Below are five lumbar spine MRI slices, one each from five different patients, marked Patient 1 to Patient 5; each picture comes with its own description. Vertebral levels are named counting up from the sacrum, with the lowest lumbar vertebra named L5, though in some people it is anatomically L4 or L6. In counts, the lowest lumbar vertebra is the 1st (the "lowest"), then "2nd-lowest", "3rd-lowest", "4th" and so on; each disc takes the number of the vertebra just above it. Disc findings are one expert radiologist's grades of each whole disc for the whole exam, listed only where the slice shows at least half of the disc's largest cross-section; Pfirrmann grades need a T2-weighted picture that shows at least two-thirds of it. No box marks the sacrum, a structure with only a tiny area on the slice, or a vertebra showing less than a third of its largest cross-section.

Patient 1 of 5:
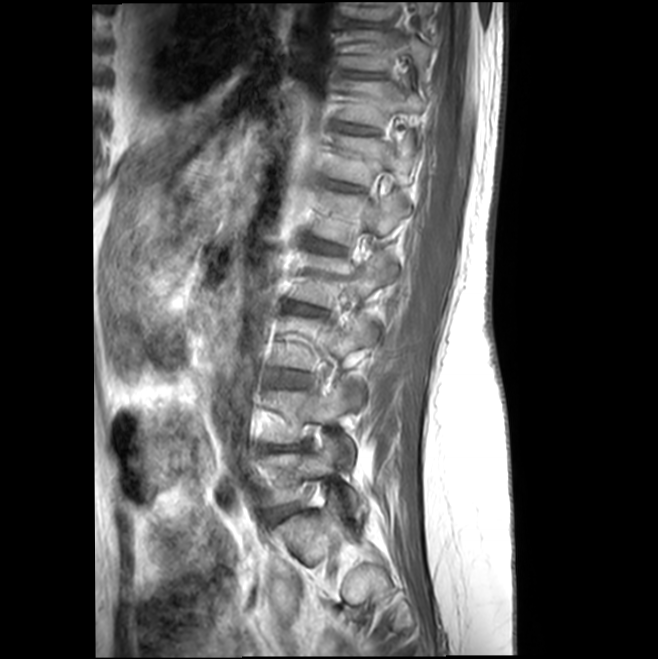

Image 658x659, Patient sex: F, Slice 5 of 18, MRI lumbar spine (T1-weighted), sagittal plane
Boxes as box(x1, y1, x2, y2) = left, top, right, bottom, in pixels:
* T11/T12 = box(346, 127, 368, 134)
* disc L2/L3 = box(292, 305, 321, 314)
* L1/L2 = box(314, 242, 339, 253)
* L5 vertebra = box(261, 435, 358, 511)
* T10 = box(347, 31, 431, 82)
* disc L3/L4 = box(274, 370, 305, 386)
* L4 = box(264, 382, 362, 458)
* T12 vertebra = box(330, 136, 414, 185)
* T11 vertebra = box(339, 81, 423, 126)
* L2 = box(293, 254, 397, 305)
* disc L5/S1 = box(271, 509, 291, 520)
* L1 vertebra = box(315, 192, 409, 245)
* disc L4/L5 = box(263, 444, 295, 450)

Patient 2 of 5:
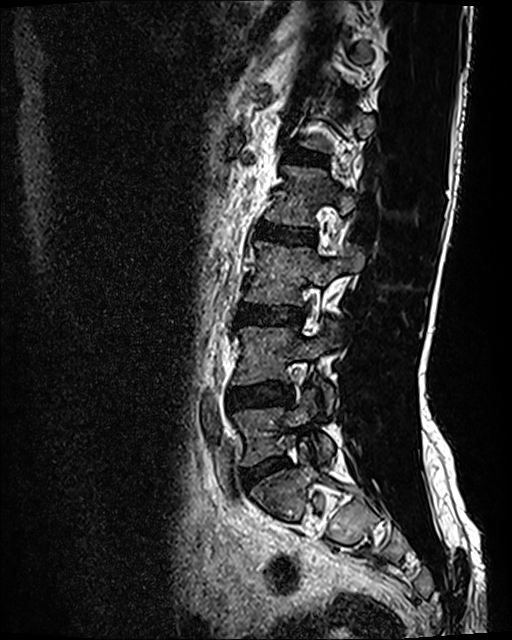 T2 SPACE (3D) sagittal MRI of the lumbar spine, Slice spacing 0.9 mm, Slice 36/120, 512x640 px
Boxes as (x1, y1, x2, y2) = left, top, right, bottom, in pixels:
4th disc at (258, 223, 314, 244), 5th disc at (288, 148, 328, 166), 4th vertebra at (265, 165, 357, 227), 2nd-lowest disc at (228, 382, 291, 410), lowest vertebra at (233, 389, 333, 467), 3rd-lowest vertebra at (242, 241, 364, 304), 2nd-lowest vertebra at (231, 323, 342, 414), lowest disc at (242, 456, 287, 486), 3rd-lowest disc at (238, 305, 302, 325).

Degenerative findings by level:
- 3rd-lowest disc: Pfirrmann grade 2, disc bulging
- 2nd-lowest disc: disc bulging
- 4th disc: no herniation, bulging, narrowing, spondylolisthesis, endplate or Modic change recorded

Patient 3 of 5:
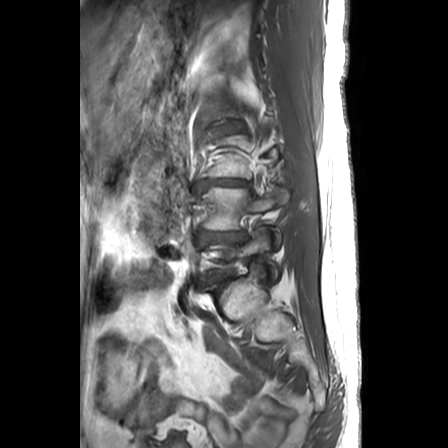 T1-weighted sagittal MRI of the lumbar spine; Sagittal slice index 3; Sex F
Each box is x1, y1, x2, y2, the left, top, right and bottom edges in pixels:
L4: 203, 187, 289, 246
L3/L4: 196, 179, 249, 191
intervertebral disc L4/L5: 200, 231, 246, 242
L5 vertebra: 210, 228, 277, 280
intervertebral disc L2/L3: 211, 123, 244, 137

Degenerative findings by level:
• L2/L3: lower-endplate change, disc narrowing, disc bulging, upper-endplate change
• L4/L5: lower-endplate change, disc bulging, upper-endplate change, Modic type II, disc narrowing
• L3/L4: lower-endplate change, disc bulging, upper-endplate change, Modic type II, disc narrowing

Patient 4 of 5:
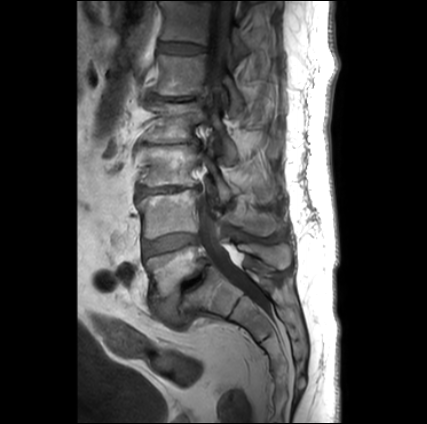 T1-weighted sagittal MRI of the lumbar spine. Slice 17 of 30.

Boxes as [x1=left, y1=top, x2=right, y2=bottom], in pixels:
{"L3": "[x1=140, y1=144, x2=274, y2=201]", "L5/S1": "[x1=155, y1=259, x2=209, y2=323]", "L4": "[x1=136, y1=190, x2=284, y2=239]", "intervertebral disc L4/L5": "[x1=143, y1=234, x2=198, y2=257]", "L1/L2": "[x1=150, y1=94, x2=205, y2=101]", "L1 vertebra": "[x1=152, y1=53, x2=244, y2=115]", "T12": "[x1=160, y1=1, x2=251, y2=58]", "spinal canal": "[x1=198, y1=0, x2=266, y2=306]", "L5": "[x1=145, y1=243, x2=290, y2=298]", "L2 vertebra": "[x1=144, y1=101, x2=276, y2=163]", "T12/L1": "[x1=158, y1=42, x2=206, y2=52]", "intervertebral disc L3/L4": "[x1=137, y1=185, x2=202, y2=195]"}

Expert MSK radiologist gradings (per disc):
- L5/S1: Modic type II, upper-endplate change, spondylolisthesis, disc narrowing, lower-endplate change, disc bulging
- L3/L4: lower-endplate change, upper-endplate change, Modic type II, disc bulging, disc narrowing
- L4/L5: Modic type II
- L1/L2: disc bulging, lower-endplate change, disc herniation, Modic type II, upper-endplate change, disc narrowing
- T12/L1: no Modic or endplate change, herniation, narrowing, bulging or spondylolisthesis recorded

Patient 5 of 5:
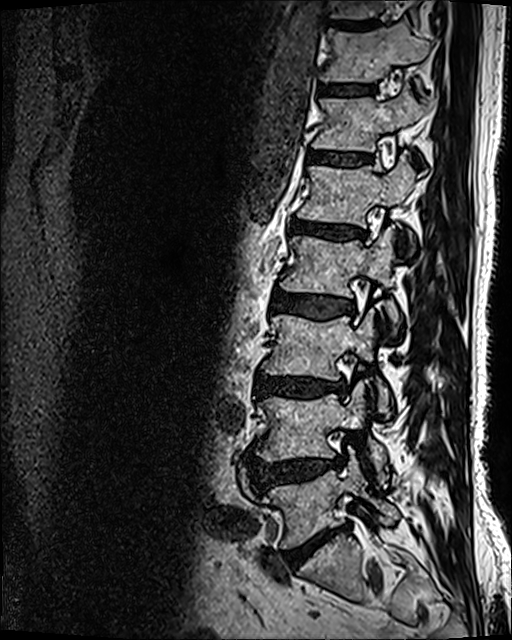
Patient sex: M | MRI lumbar spine (T2 SPACE (3D)), sagittal plane | Slice 45 of 120 | 512x640 px

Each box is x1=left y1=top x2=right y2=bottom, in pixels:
5th disc: x1=291 y1=220 x2=364 y2=238 | 7th vertebra: x1=321 y1=21 x2=430 y2=82 | 6th vertebra: x1=313 y1=86 x2=430 y2=152 | 4th disc: x1=271 y1=290 x2=354 y2=318 | 2nd-lowest disc: x1=250 y1=456 x2=342 y2=488 | 3rd-lowest vertebra: x1=261 y1=308 x2=390 y2=417 | 6th disc: x1=308 y1=151 x2=369 y2=165 | 5th vertebra: x1=297 y1=154 x2=415 y2=253 | 3rd-lowest disc: x1=256 y1=376 x2=346 y2=398 | 8th disc: x1=334 y1=20 x2=380 y2=28 | 7th disc: x1=320 y1=84 x2=373 y2=94 | lowest vertebra: x1=260 y1=449 x2=398 y2=547 | 2nd-lowest vertebra: x1=256 y1=381 x2=388 y2=482 | lowest disc: x1=285 y1=525 x2=348 y2=566 | 4th vertebra: x1=280 y1=227 x2=398 y2=333

Per-level radiological findings:
• 7th disc: Pfirrmann grade 3
• 6th disc: Pfirrmann grade 3
• 4th disc: Pfirrmann grade 3, disc bulging
• 3rd-lowest disc: Pfirrmann grade 4, disc narrowing, Modic type II, disc bulging, lower-endplate change
• 5th disc: Pfirrmann grade 4, upper-endplate change, lower-endplate change, Modic type II, disc narrowing, disc bulging
• 2nd-lowest disc: Pfirrmann grade 4, disc herniation, disc bulging